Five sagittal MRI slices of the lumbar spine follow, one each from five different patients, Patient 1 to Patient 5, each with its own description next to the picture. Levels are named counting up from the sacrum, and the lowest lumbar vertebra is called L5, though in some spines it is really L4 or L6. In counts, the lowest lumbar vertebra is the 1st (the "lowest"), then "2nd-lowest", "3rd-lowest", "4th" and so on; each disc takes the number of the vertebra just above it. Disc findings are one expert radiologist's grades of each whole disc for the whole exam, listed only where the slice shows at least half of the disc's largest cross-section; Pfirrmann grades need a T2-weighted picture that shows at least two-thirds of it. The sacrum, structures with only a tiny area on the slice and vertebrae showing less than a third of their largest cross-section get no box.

Patient 1 of 5:
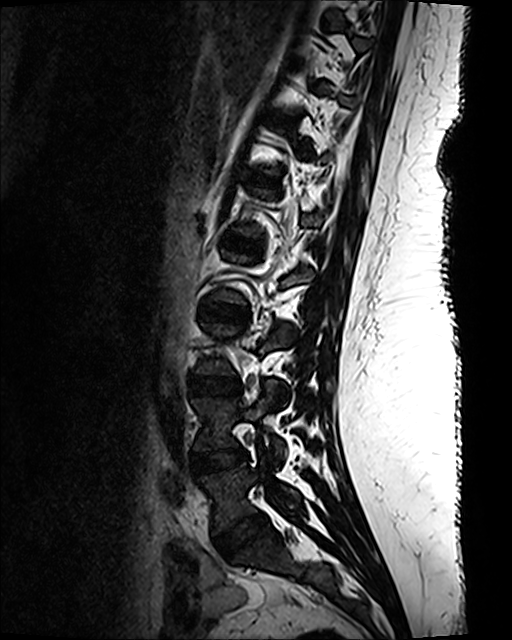
Lumbar spine MR, T2 SPACE (3D), sagittal; Field of view 240x300 mm, slice spacing 0.9 mm
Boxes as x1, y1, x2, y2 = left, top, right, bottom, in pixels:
2nd-lowest vertebra: 193, 382, 284, 461.
Lowest vertebra: 201, 462, 301, 533.
2nd-lowest disc: 194, 448, 246, 473.
6th disc: 256, 176, 274, 182.
Lowest disc: 215, 513, 267, 559.
4th disc: 202, 304, 246, 322.
7th disc: 272, 115, 289, 123.
5th disc: 225, 235, 250, 250.
3rd-lowest disc: 190, 376, 240, 395.

Degenerative findings by level:
  4th disc: Pfirrmann grade 1
  3rd-lowest disc, 2nd-lowest disc, lowest disc: no Modic or endplate change, herniation, narrowing, bulging or spondylolisthesis recorded

Patient 2 of 5:
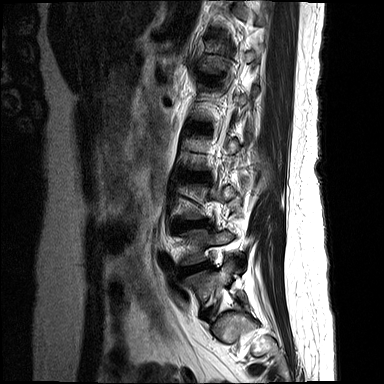 Slice 13 of 15 | Image 384x384 | Sex F | MRI lumbar spine (T2-weighted), sagittal plane

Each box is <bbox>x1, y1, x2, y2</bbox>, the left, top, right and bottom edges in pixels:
2nd-lowest vertebra at <bbox>181, 229, 234, 265</bbox>, lowest vertebra at <bbox>185, 259, 234, 308</bbox>, 3rd-lowest disc at <bbox>175, 220, 211, 228</bbox>, lowest disc at <bbox>202, 308, 213, 318</bbox>, 2nd-lowest disc at <bbox>179, 262, 210, 275</bbox>, 4th disc at <bbox>185, 174, 208, 180</bbox>.

Degenerative findings by level:
• 3rd-lowest disc: disc bulging, upper-endplate change

Patient 3 of 5:
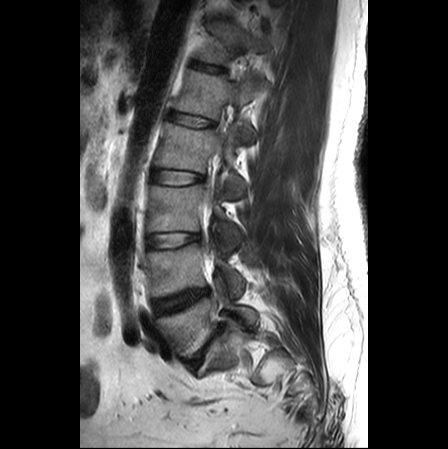 Lumbar spine MR, T2-weighted, sagittal; Slice 17 of 25

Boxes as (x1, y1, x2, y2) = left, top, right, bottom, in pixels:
T12 vertebra at (196, 23, 266, 64), L2/L3 at (152, 170, 203, 185), IVD L1/L2 at (169, 112, 213, 126), IVD L4/L5 at (152, 289, 208, 314), L4 vertebra at (145, 243, 243, 298), L3 at (147, 185, 239, 251), IVD T12/L1 at (191, 62, 223, 72), IVD L3/L4 at (147, 232, 199, 247), L1 vertebra at (174, 70, 261, 142), thecal sac / spinal canal at (207, 189, 212, 210), L2 vertebra at (154, 122, 245, 197), L5 at (156, 289, 257, 357), IVD L5/S1 at (186, 328, 223, 369).

Expert MSK radiologist gradings (per disc):
  L2/L3: Pfirrmann grade 1
  L3/L4: Pfirrmann grade 1
  L4/L5: Pfirrmann grade 4, disc bulging, Modic type II
  L1/L2: Pfirrmann grade 1
  T12/L1: no Modic or endplate change, herniation, narrowing, bulging or spondylolisthesis recorded

Patient 4 of 5:
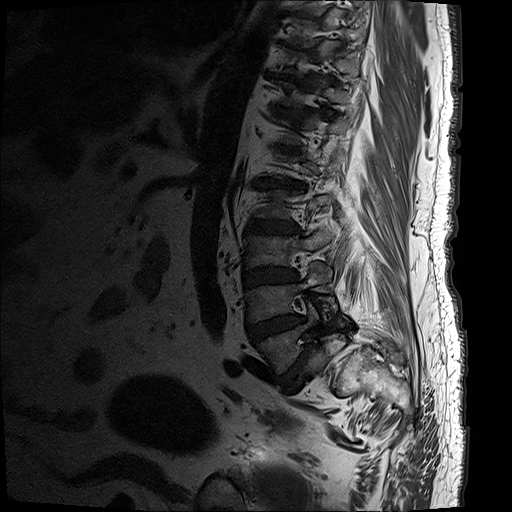 Image 512x512. T1-weighted sagittal MRI of the lumbar spine. Sagittal slice index 3.
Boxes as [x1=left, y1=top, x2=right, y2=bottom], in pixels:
T11/T12 (7th disc): [x1=267, y1=105, x2=310, y2=118].
Intervertebral disc L5/S1 (lowest disc): [x1=280, y1=343, x2=310, y2=389].
T9/T10 (9th disc): [x1=276, y1=39, x2=308, y2=50].
T12/L1 (6th disc): [x1=272, y1=143, x2=302, y2=153].
T11 (7th vertebra): [x1=267, y1=77, x2=350, y2=106].
L3 (3rd-lowest vertebra): [x1=243, y1=224, x2=334, y2=267].
Intervertebral disc L1/L2 (5th disc): [x1=248, y1=176, x2=306, y2=189].
L4 (2nd-lowest vertebra): [x1=243, y1=262, x2=329, y2=323].
Intervertebral disc T10/T11 (8th disc): [x1=263, y1=70, x2=318, y2=85].
Intervertebral disc L4/L5 (2nd-lowest disc): [x1=246, y1=314, x2=303, y2=342].
Intervertebral disc L3/L4 (3rd-lowest disc): [x1=243, y1=266, x2=295, y2=286].
T10 (8th vertebra): [x1=277, y1=44, x2=358, y2=76].
L5 (lowest vertebra): [x1=255, y1=298, x2=338, y2=373].
L2/L3 (4th disc): [x1=244, y1=217, x2=298, y2=233].
L2 (4th vertebra): [x1=251, y1=188, x2=334, y2=222].

Expert MSK radiologist gradings (per disc):
• L5/S1 (lowest disc): upper-endplate change, spondylolisthesis, disc narrowing, Modic type II, disc bulging, lower-endplate change
• T11/T12 (7th disc): lower-endplate change, upper-endplate change, disc narrowing, Modic type II, disc bulging
• L1/L2 (5th disc): disc bulging, disc narrowing, upper-endplate change, Modic type II, lower-endplate change
• L2/L3 (4th disc): disc narrowing, lower-endplate change, Modic type II, disc bulging, upper-endplate change
• T10/T11 (8th disc): upper-endplate change, lower-endplate change, Modic type II, disc bulging, disc narrowing
• L3/L4 (3rd-lowest disc): disc bulging, lower-endplate change, disc narrowing, upper-endplate change, Modic type II
• L4/L5 (2nd-lowest disc): disc bulging, Modic type II, lower-endplate change, disc narrowing, upper-endplate change

Patient 5 of 5:
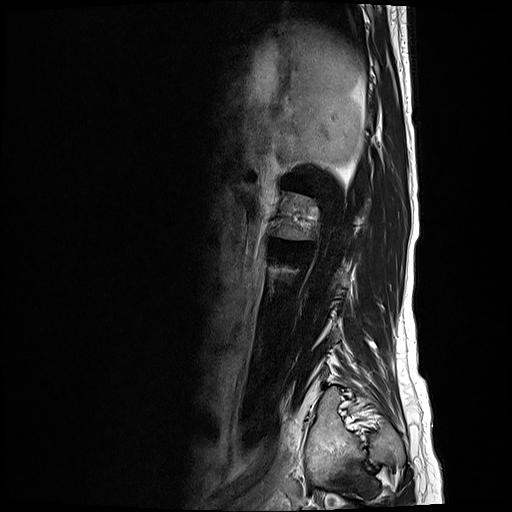 T2-weighted sagittal MRI of the lumbar spine, Patient sex: F
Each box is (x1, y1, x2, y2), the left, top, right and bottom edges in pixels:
{"L2/L3": "(275, 241, 295, 247)", "L1/L2": "(290, 183, 311, 190)"}